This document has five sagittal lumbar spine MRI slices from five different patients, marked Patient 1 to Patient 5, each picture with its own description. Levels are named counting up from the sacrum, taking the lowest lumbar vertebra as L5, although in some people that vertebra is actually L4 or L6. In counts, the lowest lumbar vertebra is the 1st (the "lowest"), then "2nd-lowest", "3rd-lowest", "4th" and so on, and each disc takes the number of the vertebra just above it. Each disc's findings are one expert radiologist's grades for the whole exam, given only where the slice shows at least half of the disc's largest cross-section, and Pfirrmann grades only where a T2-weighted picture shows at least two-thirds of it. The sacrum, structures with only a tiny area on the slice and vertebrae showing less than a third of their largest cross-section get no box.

Patient 1 of 5:
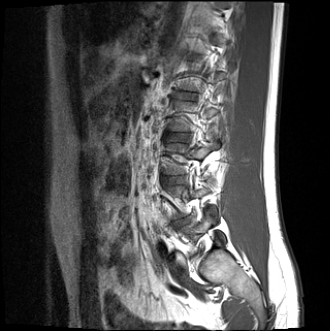
Sex M; T1-weighted sagittal MRI of the lumbar spine
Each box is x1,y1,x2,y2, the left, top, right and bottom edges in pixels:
disc L3/L4: 163,177,182,184
L2/L3: 166,133,186,140
L4/L5: 174,218,189,226

Patient 2 of 5:
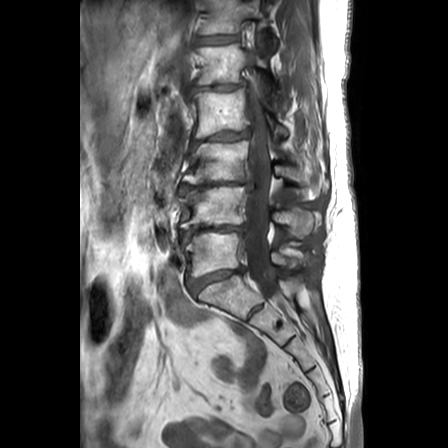 Sex F. Slice 11 of 24. MRI lumbar spine (T1-weighted), sagittal plane.
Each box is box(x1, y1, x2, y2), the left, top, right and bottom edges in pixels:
Annotations:
- disc L3/L4: box(180, 182, 254, 191)
- L4/L5: box(180, 225, 246, 242)
- disc L5/S1: box(187, 267, 244, 293)
- L3: box(183, 140, 322, 197)
- spinal canal: box(245, 81, 282, 302)
- L1/L2: box(189, 81, 244, 93)
- L1 vertebra: box(198, 35, 277, 98)
- L2 vertebra: box(190, 89, 287, 137)
- disc T12/L1: box(200, 35, 237, 43)
- L5: box(185, 231, 307, 277)
- disc L2/L3: box(190, 129, 249, 151)
- T12 vertebra: box(202, 0, 277, 45)
- L4 vertebra: box(180, 186, 314, 237)

Per-level radiological findings:
- L5/S1: disc narrowing, lower-endplate change, upper-endplate change, disc bulging
- L3/L4: lower-endplate change, Modic type II, disc narrowing, disc bulging, upper-endplate change
- L2/L3: upper-endplate change, disc bulging, disc narrowing, lower-endplate change
- L1/L2: disc bulging
- L4/L5: Modic type II, upper-endplate change, disc bulging, lower-endplate change, disc narrowing
- T12/L1: no herniation, bulging, narrowing, spondylolisthesis, endplate or Modic change recorded

Patient 3 of 5:
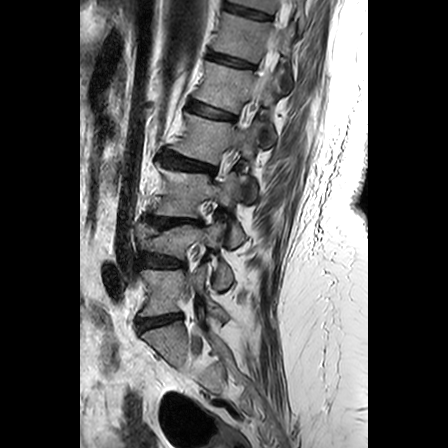
Patient sex: F; Sagittal T2-weighted lumbar spine MRI
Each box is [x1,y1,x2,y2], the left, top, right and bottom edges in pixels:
Annotations:
- T11/T12 (7th disc) at [225,3,270,19]
- T12 (6th vertebra) at [213,12,294,62]
- L3/L4 (3rd-lowest disc) at [148,217,200,227]
- L3 (3rd-lowest vertebra) at [156,164,244,247]
- L5 (lowest vertebra) at [140,266,226,324]
- T11 (7th vertebra) at [230,0,306,29]
- L1 (5th vertebra) at [195,62,281,143]
- T12/L1 (6th disc) at [208,52,252,67]
- L2 (4th vertebra) at [170,112,261,199]
- L4/L5 (2nd-lowest disc) at [139,253,184,267]
- disc L1/L2 (5th disc) at [188,101,234,119]
- L4 (2nd-lowest vertebra) at [138,221,232,289]
- L5/S1 (lowest disc) at [138,314,181,330]
- disc L2/L3 (4th disc) at [159,152,214,172]
- spinal canal at [256,0,292,102]

Radiological gradings:
  L4/L5 (2nd-lowest disc): disc bulging, lower-endplate change
  L2/L3 (4th disc): Pfirrmann grade 3, upper-endplate change, lower-endplate change
  T12/L1 (6th disc): Pfirrmann grade 3, upper-endplate change, lower-endplate change
  L1/L2 (5th disc): Pfirrmann grade 2, upper-endplate change
  L5/S1 (lowest disc): disc bulging
  T11/T12 (7th disc): Pfirrmann grade 3, lower-endplate change

Patient 4 of 5:
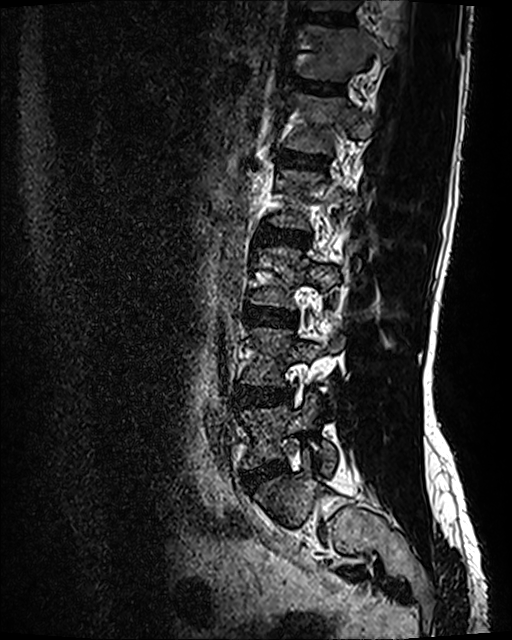
T2 SPACE (3D) sagittal MRI of the lumbar spine; Sex M; Slice 81/120

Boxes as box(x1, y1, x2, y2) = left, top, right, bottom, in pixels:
7th disc: box(301, 11, 355, 25) | 2nd-lowest vertebra: box(241, 328, 345, 404) | 3rd-lowest disc: box(244, 306, 295, 327) | 6th disc: box(296, 80, 345, 94) | 5th disc: box(279, 151, 329, 171) | 2nd-lowest disc: box(236, 385, 290, 406) | 6th vertebra: box(300, 25, 393, 81) | lowest disc: box(242, 460, 285, 488) | 4th disc: box(258, 228, 310, 248) | 7th vertebra: box(303, 0, 358, 10) | 5th vertebra: box(285, 93, 375, 154) | lowest vertebra: box(240, 393, 335, 471)

Per-level radiological findings:
- 3rd-lowest disc: disc bulging
- 4th disc, 7th disc, 5th disc, 6th disc: no spondylolisthesis, narrowing, bulging, herniation, Modic or endplate change recorded

Patient 5 of 5:
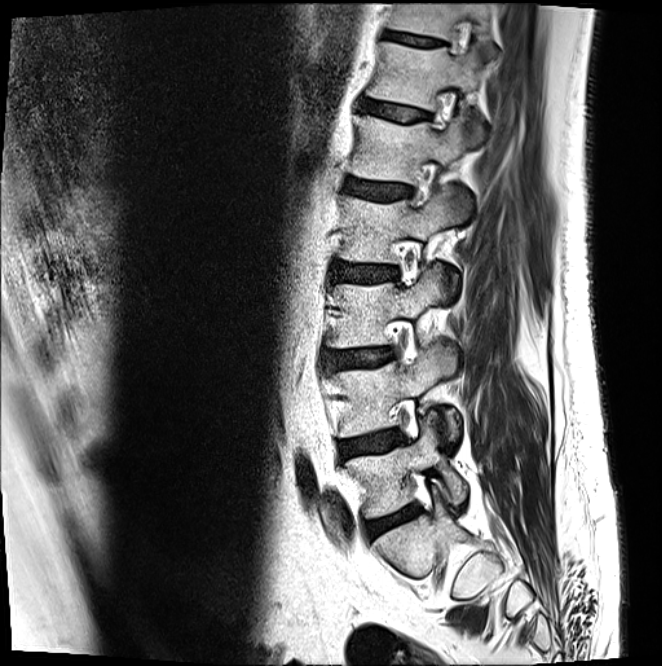 T2-weighted sagittal MRI of the lumbar spine | Sagittal slice index 15 | Sex M
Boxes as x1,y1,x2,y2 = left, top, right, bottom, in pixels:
2nd-lowest disc at 339,429,405,459; 5th disc at 345,177,413,199; 7th disc at 385,32,443,47; 5th vertebra at 349,115,474,213; 3rd-lowest disc at 326,348,396,369; 6th vertebra at 366,42,484,142; 3rd-lowest vertebra at 329,263,444,349; 7th vertebra at 388,2,497,56; 4th vertebra at 339,187,465,290; 6th disc at 361,99,430,121; lowest vertebra at 344,411,467,518; 4th disc at 332,262,399,282; lowest disc at 365,505,421,538; 2nd-lowest vertebra at 335,342,458,441.

Radiological gradings:
• 3rd-lowest disc: Pfirrmann grade 2, disc bulging, Modic type II
• 6th disc: Pfirrmann grade 2
• 5th disc: Pfirrmann grade 3, disc bulging
• 2nd-lowest disc: Pfirrmann grade 2, Modic type II, disc bulging
• 4th disc: Pfirrmann grade 3, disc bulging
• 7th disc: Pfirrmann grade 3